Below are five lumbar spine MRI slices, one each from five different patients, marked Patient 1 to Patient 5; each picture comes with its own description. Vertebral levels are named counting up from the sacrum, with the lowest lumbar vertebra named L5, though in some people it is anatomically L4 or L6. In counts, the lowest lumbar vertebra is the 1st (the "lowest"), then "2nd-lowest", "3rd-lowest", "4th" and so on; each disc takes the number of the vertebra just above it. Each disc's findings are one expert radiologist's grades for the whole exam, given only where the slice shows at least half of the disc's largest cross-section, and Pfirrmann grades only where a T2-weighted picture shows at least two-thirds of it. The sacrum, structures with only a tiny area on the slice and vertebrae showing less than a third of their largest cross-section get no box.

Patient 1 of 5:
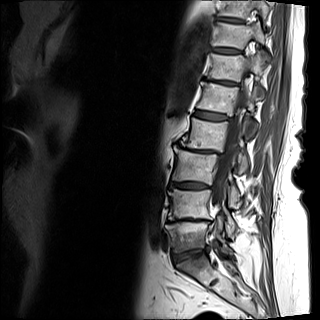

Field of view 280x280 mm, Sagittal T1-weighted lumbar spine MRI, Slice 9 of 15

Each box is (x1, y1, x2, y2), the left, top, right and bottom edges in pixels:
T10 (8th vertebra) = (218, 0, 269, 20) | L4/L5 (2nd-lowest disc) = (169, 219, 205, 221) | T12 (6th vertebra) = (208, 53, 264, 81) | L1/L2 (5th disc) = (194, 110, 229, 120) | intervertebral disc L5/S1 (lowest disc) = (172, 248, 207, 263) | L5 (lowest vertebra) = (165, 218, 229, 252) | L2/L3 (4th disc) = (188, 149, 213, 152) | spinal canal = (211, 71, 249, 213) | L3/L4 (3rd-lowest disc) = (170, 182, 211, 188) | T10/T11 (8th disc) = (218, 17, 243, 22) | L2 (4th vertebra) = (181, 117, 248, 173) | intervertebral disc T12/L1 (6th disc) = (204, 78, 237, 85) | L3 (3rd-lowest vertebra) = (172, 146, 240, 207) | T11/T12 (7th disc) = (211, 48, 241, 53) | L1 (5th vertebra) = (197, 82, 257, 133) | T11 (7th vertebra) = (212, 20, 264, 49) | L4 (2nd-lowest vertebra) = (168, 189, 235, 235)

Expert MSK radiologist gradings (per disc):
- L1/L2 (5th disc): lower-endplate change, disc bulging, upper-endplate change
- L5/S1 (lowest disc): disc bulging, disc narrowing, Modic type II, lower-endplate change, upper-endplate change
- L4/L5 (2nd-lowest disc): upper-endplate change, disc narrowing, lower-endplate change, Modic type II, disc bulging
- T12/L1 (6th disc): disc narrowing, upper-endplate change, Modic type II, disc bulging, lower-endplate change
- L2/L3 (4th disc): disc bulging, lower-endplate change, disc narrowing, spondylolisthesis, upper-endplate change, Modic type II
- L3/L4 (3rd-lowest disc): disc bulging, lower-endplate change, upper-endplate change
- T10/T11 (8th disc), T11/T12 (7th disc): no spondylolisthesis, narrowing, bulging, herniation, Modic or endplate change recorded

Patient 2 of 5:
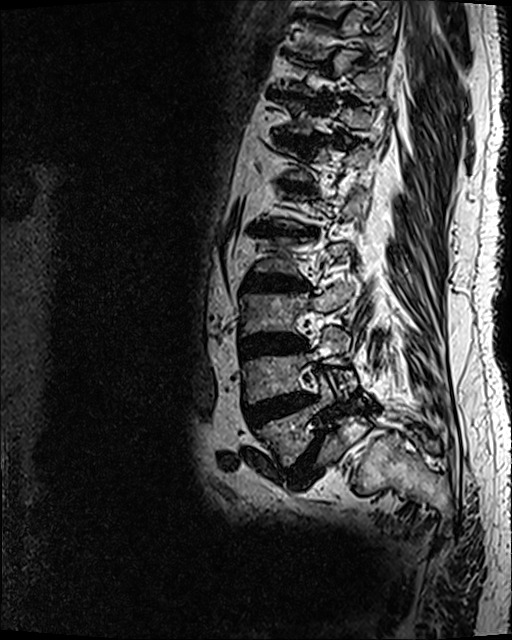 T2 SPACE (3D) sagittal MRI of the lumbar spine; Sex M; Image 512x640
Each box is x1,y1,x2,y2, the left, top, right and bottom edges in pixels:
Structures:
• intervertebral disc T12/L1 = 279,178,313,192
• intervertebral disc L5/S1 = 287,428,324,486
• T11/T12 = 271,132,324,148
• L1/L2 = 247,220,318,237
• intervertebral disc L3/L4 = 241,332,307,358
• intervertebral disc T10/T11 = 267,88,333,106
• L2/L3 = 243,270,308,291
• L5 = 254,373,335,466
• L3 = 241,286,348,335
• L4 vertebra = 241,326,349,404
• L4/L5 = 245,391,317,427

Expert MSK radiologist gradings (per disc):
• L2/L3: Pfirrmann grade 5, disc bulging, disc narrowing, lower-endplate change, Modic type II, upper-endplate change
• T10/T11: lower-endplate change, disc bulging, Modic type II, upper-endplate change, disc narrowing
• L3/L4: Pfirrmann grade 5, upper-endplate change, disc bulging, lower-endplate change, Modic type II, disc narrowing
• L1/L2: upper-endplate change, disc narrowing, Modic type II, disc bulging, lower-endplate change
• L4/L5: Pfirrmann grade 5, Modic type II, disc narrowing, upper-endplate change, lower-endplate change, disc bulging
• T11/T12: upper-endplate change, disc narrowing, disc bulging, Modic type II, lower-endplate change
• L5/S1: Pfirrmann grade 5, upper-endplate change, disc bulging, disc narrowing, lower-endplate change, spondylolisthesis, Modic type II

Patient 3 of 5:
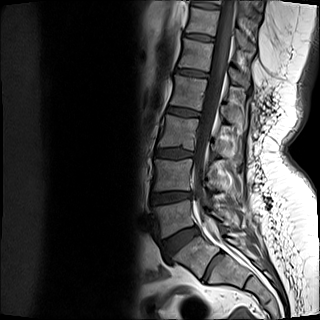 Slice 7 of 15; Sex F; 320x320 px; MRI lumbar spine (T1-weighted), sagittal plane
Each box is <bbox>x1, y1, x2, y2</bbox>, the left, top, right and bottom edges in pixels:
5th disc at <bbox>176, 69, 209, 77</bbox>, 3rd-lowest vertebra at <bbox>158, 114, 242, 164</bbox>, 2nd-lowest vertebra at <bbox>153, 159, 241, 196</bbox>, thecal sac / spinal canal at <bbox>193, 0, 235, 243</bbox>, lowest disc at <bbox>163, 227, 198, 254</bbox>, 7th disc at <bbox>191, 2, 220, 9</bbox>, 6th disc at <bbox>184, 34, 214, 41</bbox>, 5th vertebra at <bbox>178, 39, 249, 88</bbox>, lowest vertebra at <bbox>153, 200, 238, 237</bbox>, 7th vertebra at <bbox>201, 0, 261, 22</bbox>, 6th vertebra at <bbox>186, 7, 255, 53</bbox>, 4th disc at <bbox>167, 107, 200, 116</bbox>, 4th vertebra at <bbox>170, 75, 247, 130</bbox>, 2nd-lowest disc at <bbox>151, 192, 192, 205</bbox>, 3rd-lowest disc at <bbox>155, 149, 194, 158</bbox>.

Expert MSK radiologist gradings (per disc):
• 3rd-lowest disc: lower-endplate change
• 2nd-lowest disc: disc bulging, Modic type II, disc narrowing
• 6th disc, 7th disc, 5th disc, 4th disc, lowest disc: no herniation, bulging, narrowing, spondylolisthesis, endplate or Modic change recorded

Patient 4 of 5:
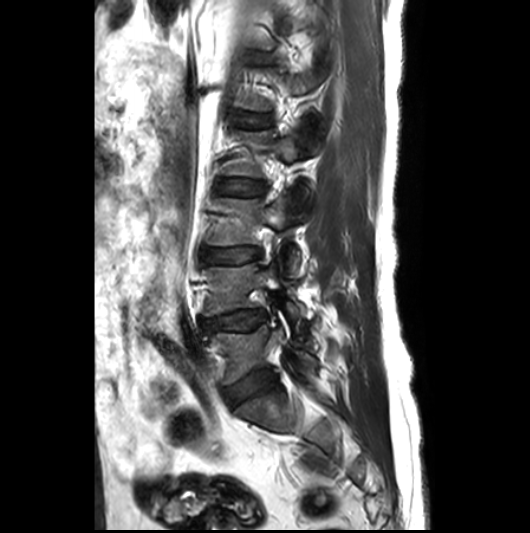 MRI lumbar spine (T2-weighted), sagittal plane

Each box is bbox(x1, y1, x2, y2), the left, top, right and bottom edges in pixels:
Intervertebral disc L2/L3 (4th disc) at bbox(217, 179, 264, 196).
Intervertebral disc L3/L4 (3rd-lowest disc) at bbox(203, 247, 259, 262).
L3 (3rd-lowest vertebra) at bbox(209, 198, 299, 273).
L5 (lowest vertebra) at bbox(204, 325, 318, 384).
Intervertebral disc L4/L5 (2nd-lowest disc) at bbox(202, 310, 266, 331).
L4 (2nd-lowest vertebra) at bbox(204, 264, 302, 325).
L5/S1 (lowest disc) at bbox(226, 369, 277, 406).
Intervertebral disc L1/L2 (5th disc) at bbox(238, 113, 267, 126).

Expert MSK radiologist gradings (per disc):
  L3/L4 (3rd-lowest disc): disc bulging, upper-endplate change
  L5/S1 (lowest disc): disc bulging
  L4/L5 (2nd-lowest disc): Pfirrmann grade 3, disc bulging, disc narrowing, disc herniation, Modic type II
  L2/L3 (4th disc): no Modic or endplate change, herniation, narrowing, bulging or spondylolisthesis recorded

Patient 5 of 5:
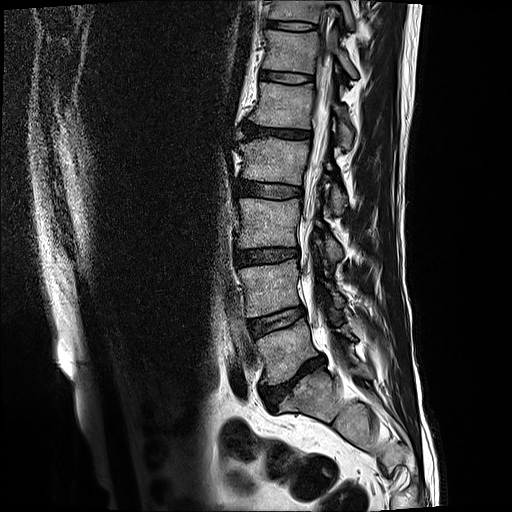 Field of view 300x300 mm | Lumbar spine MR, T2-weighted, sagittal | Patient sex: M | Sagittal slice index 12

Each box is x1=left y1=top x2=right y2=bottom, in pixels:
L2 vertebra at x1=238 y1=136 x2=345 y2=213, L3 at x1=238 y1=198 x2=341 y2=261, disc L2/L3 at x1=236 y1=178 x2=302 y2=197, spinal canal at x1=302 y1=38 x2=333 y2=321, L4 vertebra at x1=239 y1=253 x2=344 y2=317, L1 at x1=250 y1=81 x2=352 y2=149, T11/T12 at x1=267 y1=22 x2=317 y2=29, L1/L2 at x1=242 y1=122 x2=311 y2=140, T11 at x1=269 y1=0 x2=353 y2=25, disc L3/L4 at x1=234 y1=247 x2=299 y2=265, disc L4/L5 at x1=247 y1=306 x2=304 y2=335, T12 vertebra at x1=262 y1=30 x2=357 y2=77, disc T12/L1 at x1=260 y1=69 x2=313 y2=82, L5/S1 at x1=260 y1=354 x2=325 y2=407, L5 vertebra at x1=257 y1=318 x2=353 y2=385.

Radiological gradings:
- L5/S1: Pfirrmann grade 5, lower-endplate change, disc narrowing, upper-endplate change, Modic type II, disc bulging
- L2/L3: Pfirrmann grade 3
- L4/L5: Pfirrmann grade 3, Modic type II
- L1/L2: Pfirrmann grade 5, disc bulging, upper-endplate change, lower-endplate change, disc narrowing, Modic type II
- L3/L4: Pfirrmann grade 3, lower-endplate change, upper-endplate change, disc bulging
- T11/T12: Pfirrmann grade 3, upper-endplate change, lower-endplate change
- T12/L1: Pfirrmann grade 3